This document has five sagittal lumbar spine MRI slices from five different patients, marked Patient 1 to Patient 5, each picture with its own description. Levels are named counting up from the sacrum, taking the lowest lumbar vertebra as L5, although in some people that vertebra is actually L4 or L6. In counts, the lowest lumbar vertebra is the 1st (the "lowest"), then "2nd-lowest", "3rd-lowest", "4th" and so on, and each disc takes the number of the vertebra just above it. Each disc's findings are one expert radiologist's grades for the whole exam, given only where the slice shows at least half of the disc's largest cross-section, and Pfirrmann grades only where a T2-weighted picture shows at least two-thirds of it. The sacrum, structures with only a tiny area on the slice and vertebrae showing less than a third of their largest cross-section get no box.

Patient 1 of 5:
Sagittal slice index 15. Lumbar spine MR, T1-weighted, sagittal.
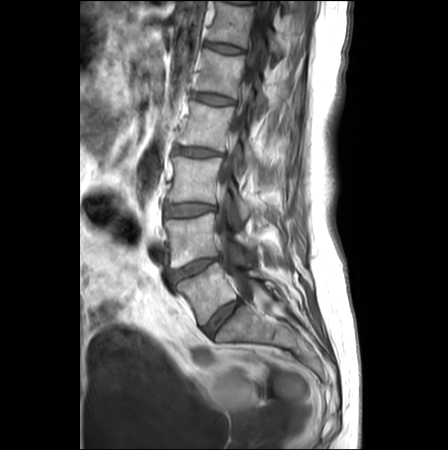
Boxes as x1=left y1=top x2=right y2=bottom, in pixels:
L4 at x1=165 y1=213 x2=257 y2=267, L2 vertebra at x1=179 y1=102 x2=257 y2=171, spinal canal at x1=215 y1=1 x2=269 y2=299, T12 at x1=209 y1=1 x2=282 y2=58, IVD L5/S1 at x1=203 y1=300 x2=240 y2=334, IVD L4/L5 at x1=169 y1=257 x2=220 y2=282, IVD L1/L2 at x1=193 y1=93 x2=233 y2=104, L1 at x1=196 y1=50 x2=267 y2=111, IVD L3/L4 at x1=166 y1=204 x2=214 y2=216, IVD L2/L3 at x1=175 y1=146 x2=222 y2=156, L3 vertebra at x1=167 y1=157 x2=252 y2=218, L5 at x1=177 y1=263 x2=269 y2=325, T12/L1 at x1=207 y1=43 x2=243 y2=52.

Radiological gradings:
  L4/L5: lower-endplate change, upper-endplate change, disc herniation, Modic type II, disc narrowing
  L2/L3: disc bulging
  L3/L4: disc bulging
  T12/L1, L1/L2, L5/S1: no herniation, bulging, narrowing, spondylolisthesis, endplate or Modic change recorded

Patient 2 of 5:
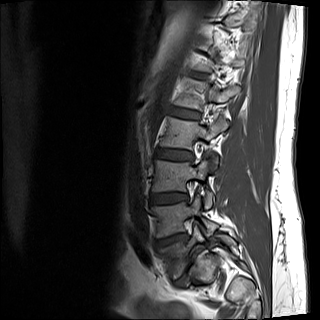
320x320 px | Patient sex: M | Sagittal T1-weighted lumbar spine MRI | Sagittal slice index 3

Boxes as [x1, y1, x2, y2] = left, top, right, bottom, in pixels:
* L1/L2 at [167, 106, 198, 119]
* L1 vertebra at [174, 78, 239, 109]
* L5 vertebra at [157, 224, 236, 278]
* L2 at [161, 116, 229, 149]
* L2/L3 at [156, 148, 193, 160]
* disc L4/L5 at [155, 233, 185, 248]
* L5/S1 at [174, 249, 203, 286]
* L3 at [152, 157, 212, 208]
* L4 at [152, 195, 216, 237]
* disc L3/L4 at [150, 192, 187, 205]

Per-level radiological findings:
• L3/L4: disc bulging
• L1/L2: disc bulging
• L2/L3: disc bulging
• L5/S1: Modic type II, spondylolisthesis, disc narrowing, upper-endplate change, disc bulging, lower-endplate change

Patient 3 of 5:
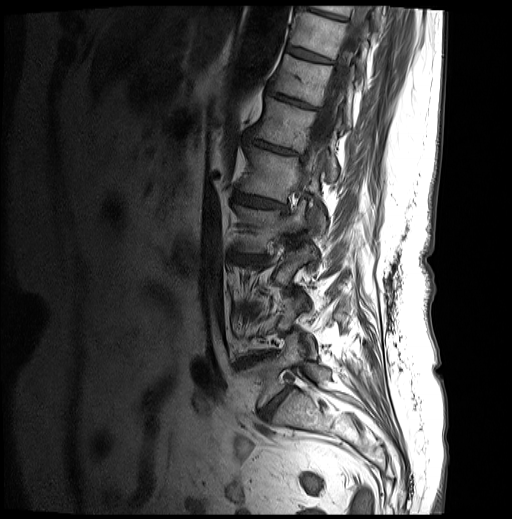
Lumbar spine MR, T1-weighted, sagittal, 512x519 px
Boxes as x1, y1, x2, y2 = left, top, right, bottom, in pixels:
7th disc: 268, 87, 316, 108
4th vertebra: 237, 200, 307, 251
8th disc: 287, 47, 330, 62
lowest vertebra: 238, 332, 330, 406
5th vertebra: 241, 146, 326, 229
2nd-lowest disc: 238, 356, 262, 365
lowest disc: 260, 386, 291, 419
thecal sac / spinal canal: 302, 6, 369, 175
5th disc: 236, 194, 283, 208
8th vertebra: 290, 10, 369, 72
9th disc: 298, 1, 344, 19
7th vertebra: 271, 54, 353, 127
6th disc: 246, 133, 296, 154
6th vertebra: 252, 98, 337, 181
9th vertebra: 313, 6, 381, 28

Degenerative findings by level:
- 7th disc: disc narrowing, Modic type II, upper-endplate change, lower-endplate change, disc bulging
- 5th disc: disc narrowing, upper-endplate change, lower-endplate change, disc bulging, Modic type II
- lowest disc: disc bulging, disc narrowing
- 9th disc: Modic type II, lower-endplate change, disc bulging, upper-endplate change
- 8th disc: upper-endplate change, Modic type II, lower-endplate change
- 6th disc: disc narrowing, lower-endplate change, disc bulging, upper-endplate change, Modic type II

Patient 4 of 5:
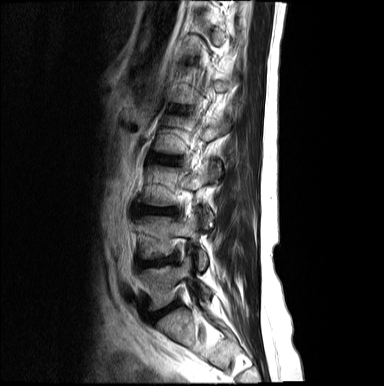

Sagittal slice index 12; MRI lumbar spine (T2-weighted), sagittal plane

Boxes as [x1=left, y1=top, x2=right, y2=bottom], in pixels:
L3/L4: [x1=140, y1=207, x2=176, y2=214].
L5 vertebra: [x1=140, y1=256, x2=211, y2=309].
L4 vertebra: [x1=140, y1=214, x2=207, y2=269].
L3 vertebra: [x1=144, y1=161, x2=219, y2=227].
L4/L5: [x1=137, y1=256, x2=176, y2=267].
L2/L3: [x1=156, y1=156, x2=177, y2=164].
Intervertebral disc L5/S1: [x1=149, y1=302, x2=178, y2=321].

Patient 5 of 5:
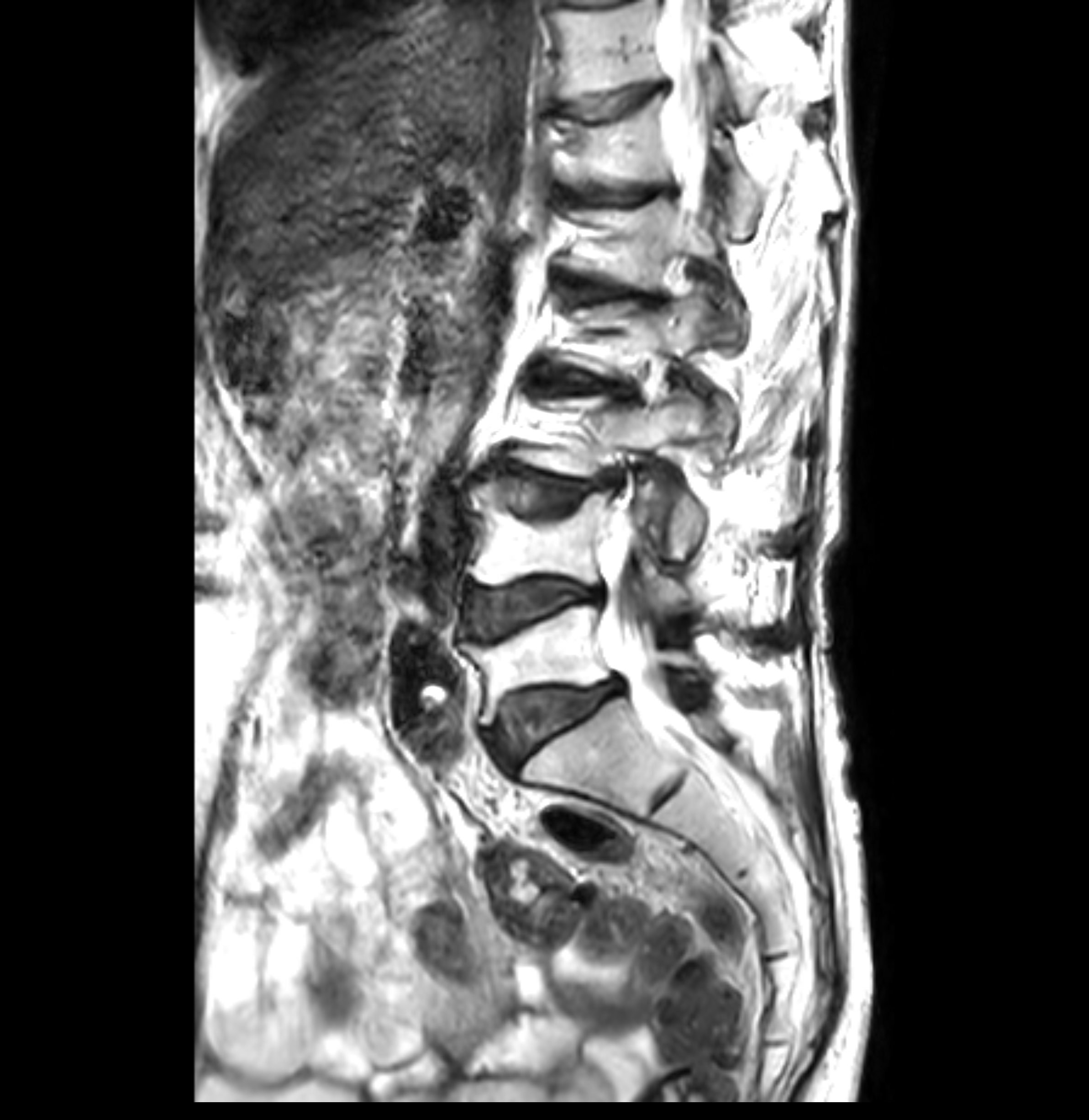 Lumbar spine MR, T2-weighted, sagittal. Image 1089x1120. Slice 14/36.
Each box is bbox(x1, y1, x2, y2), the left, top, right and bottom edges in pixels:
L1 = bbox(571, 197, 719, 286) | T12/L1 = bbox(567, 183, 678, 205) | thecal sac / spinal canal = bbox(608, 6, 719, 719) | T11 vertebra = bbox(559, 1, 826, 117) | L5 = bbox(464, 604, 697, 723) | L1/L2 = bbox(569, 278, 651, 304) | L2/L3 = bbox(552, 373, 622, 390) | L4 vertebra = bbox(467, 483, 688, 618) | L3 vertebra = bbox(513, 396, 702, 560) | T12 vertebra = bbox(562, 92, 761, 237) | T11/T12 = bbox(567, 85, 661, 117) | intervertebral disc L3/L4 = bbox(494, 463, 612, 515) | L5/S1 = bbox(491, 681, 620, 765) | L4/L5 = bbox(464, 578, 600, 637)

Degenerative findings by level:
• T11/T12: upper-endplate change, lower-endplate change, Modic type II
• L4/L5: Pfirrmann grade 4, disc bulging, upper-endplate change, Modic type II, lower-endplate change
• L5/S1: Pfirrmann grade 4, Modic type II, upper-endplate change, lower-endplate change, disc bulging
• L3/L4: Pfirrmann grade 4, Modic type II, disc narrowing, lower-endplate change, upper-endplate change, disc bulging